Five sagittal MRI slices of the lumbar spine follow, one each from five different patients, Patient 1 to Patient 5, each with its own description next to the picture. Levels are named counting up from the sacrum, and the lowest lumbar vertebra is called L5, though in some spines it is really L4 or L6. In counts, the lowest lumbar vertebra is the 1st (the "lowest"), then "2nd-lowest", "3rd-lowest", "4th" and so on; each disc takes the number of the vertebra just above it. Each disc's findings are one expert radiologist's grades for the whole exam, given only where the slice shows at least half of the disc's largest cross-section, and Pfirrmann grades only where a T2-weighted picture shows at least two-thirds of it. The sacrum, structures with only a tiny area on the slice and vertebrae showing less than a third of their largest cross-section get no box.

Patient 1 of 5:
Sagittal slice index 29 | T2 SPACE (3D) sagittal MRI of the lumbar spine

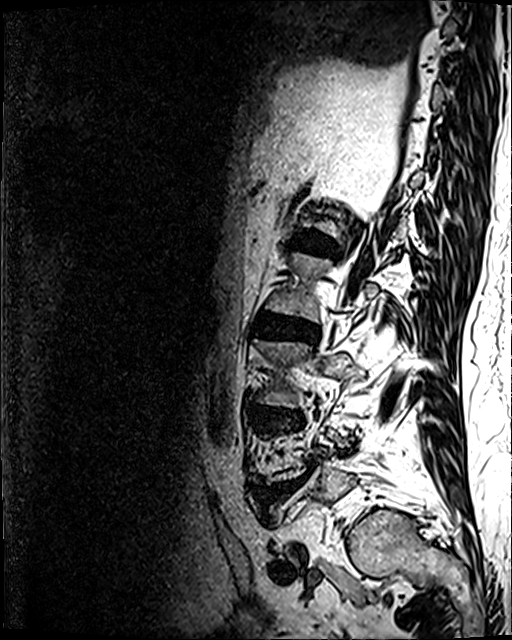

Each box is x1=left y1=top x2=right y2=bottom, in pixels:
4th disc at x1=253 y1=315 x2=318 y2=341.
3rd-lowest disc at x1=265 y1=410 x2=301 y2=427.
2nd-lowest disc at x1=257 y1=482 x2=294 y2=506.
5th disc at x1=298 y1=230 x2=334 y2=253.

Expert MSK radiologist gradings (per disc):
  4th disc: Pfirrmann grade 4, disc bulging, lower-endplate change, upper-endplate change, Modic type II, disc narrowing

Patient 2 of 5:
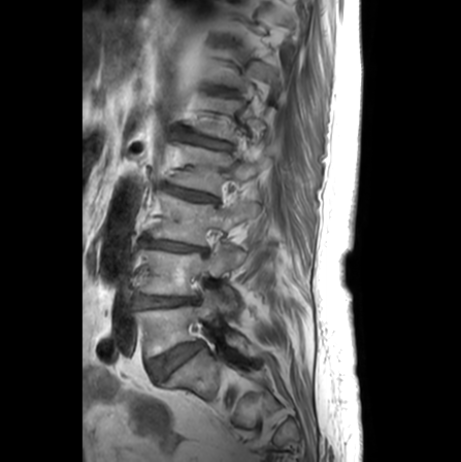 Slice 7/24, T1-weighted sagittal MRI of the lumbar spine, 461x462 px

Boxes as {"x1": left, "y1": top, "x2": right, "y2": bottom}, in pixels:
L2/L3 at {"x1": 164, "y1": 184, "x2": 217, "y2": 201}, disc L5/S1 at {"x1": 149, "y1": 342, "x2": 203, "y2": 378}, disc L4/L5 at {"x1": 132, "y1": 294, "x2": 198, "y2": 308}, L5 vertebra at {"x1": 134, "y1": 288, "x2": 244, "y2": 357}, L2 at {"x1": 170, "y1": 143, "x2": 271, "y2": 193}, disc L3/L4 at {"x1": 144, "y1": 237, "x2": 206, "y2": 252}, L1/L2 at {"x1": 187, "y1": 134, "x2": 231, "y2": 148}, L4 at {"x1": 140, "y1": 246, "x2": 246, "y2": 313}, L3 at {"x1": 151, "y1": 189, "x2": 258, "y2": 245}.

Degenerative findings by level:
• L3/L4: disc narrowing, lower-endplate change, upper-endplate change, Modic type II
• L2/L3: upper-endplate change, disc narrowing, lower-endplate change
• L5/S1: Modic type II
• L1/L2: disc narrowing, lower-endplate change, upper-endplate change, disc bulging
• L4/L5: disc narrowing, Modic type II

Patient 3 of 5:
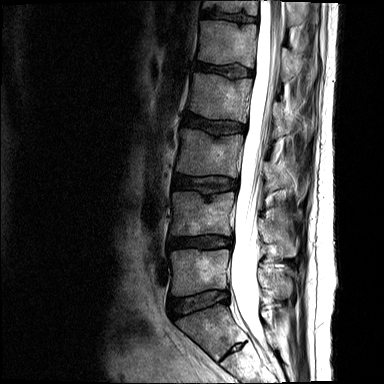
Patient sex: M | MRI lumbar spine (T2-weighted), sagittal plane
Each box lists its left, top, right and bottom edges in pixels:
{"thecal sac / spinal canal": "left=230, top=0, right=282, bottom=341", "L3": "left=176, top=129, right=287, bottom=191", "T12 vertebra": "left=203, top=0, right=302, bottom=24", "L5 vertebra": "left=170, top=249, right=289, bottom=295", "intervertebral disc L5/S1": "left=169, top=291, right=228, bottom=318", "L2 vertebra": "left=189, top=73, right=288, bottom=137", "intervertebral disc L3/L4": "left=174, top=175, right=238, bottom=200", "L4/L5": "left=168, top=236, right=231, bottom=248", "L1 vertebra": "left=198, top=21, right=295, bottom=80", "T12/L1": "left=202, top=10, right=256, bottom=23", "intervertebral disc L2/L3": "left=183, top=113, right=246, bottom=134", "L4": "left=170, top=192, right=295, bottom=259", "L1/L2": "left=195, top=62, right=253, bottom=77"}

Degenerative findings by level:
• T12/L1: Pfirrmann grade 3, lower-endplate change, upper-endplate change
• L4/L5: Pfirrmann grade 3, disc bulging, disc herniation, disc narrowing
• L3/L4: Pfirrmann grade 3, upper-endplate change
• L5/S1: Pfirrmann grade 3, disc bulging
• L2/L3: Pfirrmann grade 3, upper-endplate change
• L1/L2: Pfirrmann grade 3, upper-endplate change

Patient 4 of 5:
T2-weighted sagittal MRI of the lumbar spine; Slice 11/25; 448x449 px; Field of view 280x281 mm
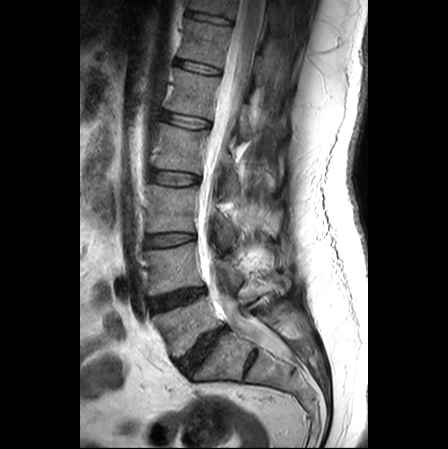
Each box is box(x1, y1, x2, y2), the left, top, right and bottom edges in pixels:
L5 (lowest vertebra) at box(153, 295, 256, 357); L2 (4th vertebra) at box(155, 123, 239, 195); L3/L4 (3rd-lowest disc) at box(146, 233, 194, 246); T11 (7th vertebra) at box(190, 0, 278, 28); T11/T12 (7th disc) at box(188, 12, 231, 23); L2/L3 (4th disc) at box(150, 170, 199, 185); L4 (2nd-lowest vertebra) at box(146, 242, 243, 295); intervertebral disc L5/S1 (lowest disc) at box(177, 328, 225, 373); intervertebral disc L1/L2 (5th disc) at box(162, 112, 209, 127); L1 (5th vertebra) at box(166, 68, 284, 138); L3 (3rd-lowest vertebra) at box(147, 185, 279, 249); intervertebral disc L4/L5 (2nd-lowest disc) at box(151, 289, 204, 312); intervertebral disc T12/L1 (6th disc) at box(176, 59, 219, 74); T12 (6th vertebra) at box(179, 19, 268, 84); thecal sac / spinal canal at box(198, 0, 285, 356).

Per-level radiological findings:
• L3/L4 (3rd-lowest disc): Pfirrmann grade 1
• L2/L3 (4th disc): Pfirrmann grade 1
• T11/T12 (7th disc): Pfirrmann grade 1
• L4/L5 (2nd-lowest disc): Pfirrmann grade 4, Modic type II, disc bulging
• T12/L1 (6th disc): Pfirrmann grade 1
• L5/S1 (lowest disc): Pfirrmann grade 5, Modic type II, disc bulging, disc narrowing
• L1/L2 (5th disc): Pfirrmann grade 1

Patient 5 of 5:
Lumbar spine MR, T2-weighted, sagittal. Sagittal slice index 24.

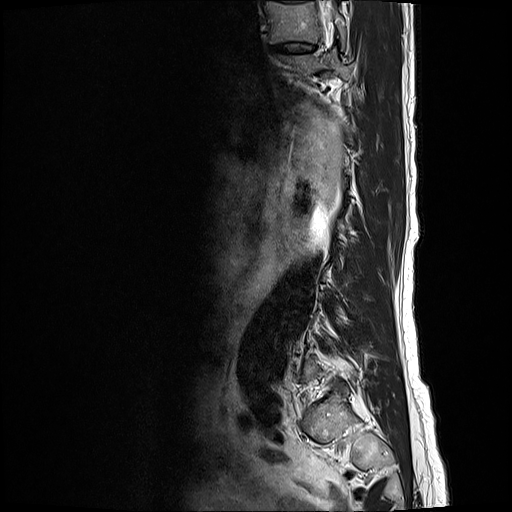 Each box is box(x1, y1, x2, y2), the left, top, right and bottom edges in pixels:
Structures:
- thecal sac / spinal canal at box(321, 2, 331, 16)
- IVD T10/T11 at box(275, 43, 314, 54)
- T11 vertebra at box(279, 50, 353, 79)
- T10 vertebra at box(267, 2, 345, 43)

Radiological gradings:
- T10/T11: Pfirrmann grade 3, disc bulging, disc narrowing